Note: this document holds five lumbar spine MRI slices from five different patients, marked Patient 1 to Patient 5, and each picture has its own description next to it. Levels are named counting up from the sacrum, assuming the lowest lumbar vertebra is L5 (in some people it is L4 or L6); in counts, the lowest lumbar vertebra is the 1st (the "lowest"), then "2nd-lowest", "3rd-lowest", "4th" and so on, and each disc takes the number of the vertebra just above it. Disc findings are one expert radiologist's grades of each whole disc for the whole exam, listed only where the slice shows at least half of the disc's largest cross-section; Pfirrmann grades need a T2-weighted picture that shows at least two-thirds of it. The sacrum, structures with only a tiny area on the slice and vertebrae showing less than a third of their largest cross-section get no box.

Patient 1 of 5:
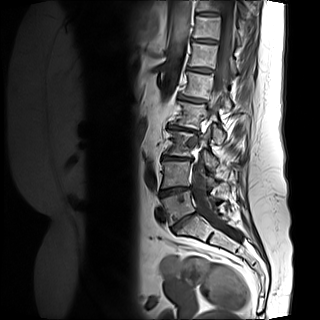 Image 320x320; Sagittal T1-weighted lumbar spine MRI; Slice 8/15
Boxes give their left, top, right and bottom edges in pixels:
L4/L5: left=160, top=187, right=189, bottom=196 | L1: left=182, top=71, right=231, bottom=111 | L5 vertebra: left=161, top=190, right=221, bottom=225 | intervertebral disc L5/S1: left=171, top=213, right=194, bottom=232 | intervertebral disc T11/T12: left=192, top=39, right=217, bottom=43 | T12 vertebra: left=188, top=43, right=238, bottom=75 | L3 vertebra: left=164, top=130, right=218, bottom=169 | T12/L1: left=187, top=67, right=212, bottom=73 | thecal sac / spinal canal: left=192, top=0, right=242, bottom=241 | L2: left=171, top=101, right=225, bottom=142 | intervertebral disc L1/L2: left=179, top=95, right=206, bottom=102 | L4: left=161, top=161, right=217, bottom=188 | intervertebral disc L2/L3: left=169, top=125, right=195, bottom=132 | intervertebral disc L3/L4: left=162, top=156, right=186, bottom=160 | T11: left=193, top=16, right=242, bottom=44

Expert MSK radiologist gradings (per disc):
  L5/S1: disc bulging, disc narrowing, upper-endplate change, Modic type II, lower-endplate change
  L4/L5: upper-endplate change, disc bulging, disc narrowing, lower-endplate change, Modic type II
  L3/L4: Modic type II, upper-endplate change, disc bulging, disc narrowing, lower-endplate change
  L2/L3: disc narrowing, Modic type II, upper-endplate change, disc bulging, lower-endplate change
  L1/L2: Modic type II, disc bulging, disc narrowing, upper-endplate change, lower-endplate change
  T12/L1, T11/T12: no herniation, bulging, narrowing, spondylolisthesis, endplate or Modic change recorded

Patient 2 of 5:
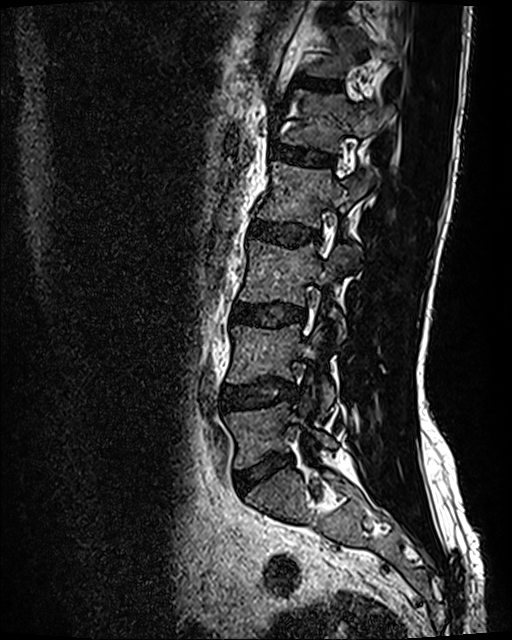

Slice 41/120. Sagittal T2 SPACE (3D) lumbar spine MRI. Patient sex: M. Field of view 240x300 mm, slice spacing 0.9 mm.
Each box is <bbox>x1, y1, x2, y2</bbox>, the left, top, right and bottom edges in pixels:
{"disc L2/L3": "<bbox>251, 220, 319, 245</bbox>", "L2": "<bbox>258, 161, 379, 227</bbox>", "L4 vertebra": "<bbox>227, 323, 334, 412</bbox>", "disc T12/L1": "<bbox>305, 79, 339, 90</bbox>", "L5 vertebra": "<bbox>225, 393, 336, 469</bbox>", "L1/L2": "<bbox>271, 145, 332, 165</bbox>", "L3": "<bbox>240, 239, 360, 339</bbox>", "disc L3/L4": "<bbox>232, 304, 305, 326</bbox>", "L1": "<bbox>283, 90, 392, 152</bbox>", "L5/S1": "<bbox>238, 455, 291, 493</bbox>", "L4/L5": "<bbox>223, 379, 297, 410</bbox>"}

Expert MSK radiologist gradings (per disc):
  L5/S1: disc bulging
  L2/L3: Pfirrmann grade 2
  L1/L2: Pfirrmann grade 2
  L4/L5: Pfirrmann grade 2, disc bulging
  L3/L4: Pfirrmann grade 2, disc bulging

Patient 3 of 5:
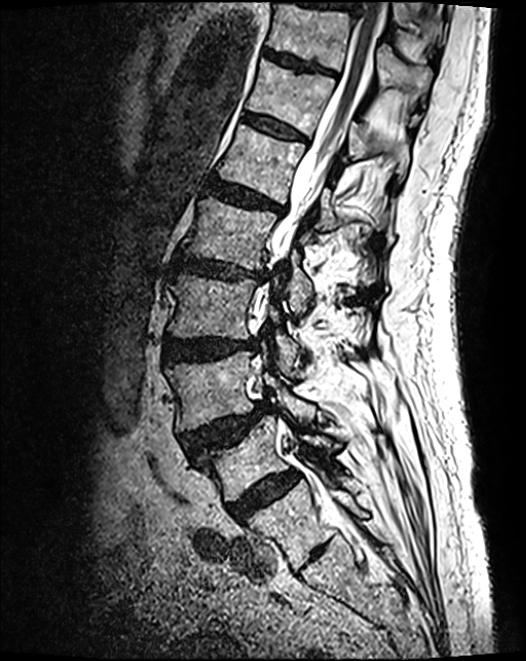 MRI lumbar spine (T2 SPACE (3D)), sagittal plane; 526x661 px; Patient sex: M

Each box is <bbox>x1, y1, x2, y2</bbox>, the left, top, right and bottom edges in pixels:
Disc L1/L2: <bbox>205, 179, 283, 214</bbox>.
Disc T12/L1: <bbox>244, 114, 306, 141</bbox>.
T11: <bbox>267, 3, 430, 98</bbox>.
L1 vertebra: <bbox>217, 124, 337, 233</bbox>.
Disc T11/T12: <bbox>263, 50, 335, 75</bbox>.
L4: <bbox>168, 353, 314, 430</bbox>.
Disc L4/L5: <bbox>183, 404, 269, 457</bbox>.
L3: <bbox>168, 275, 303, 377</bbox>.
Disc L5/S1: <bbox>228, 472, 298, 522</bbox>.
L2: <bbox>182, 197, 311, 310</bbox>.
Disc L2/L3: <bbox>172, 252, 268, 284</bbox>.
T12: <bbox>247, 61, 407, 168</bbox>.
Spinal canal: <bbox>254, 0, 381, 319</bbox>.
L5 vertebra: <bbox>201, 417, 335, 501</bbox>.
L3/L4: <bbox>164, 339, 256, 365</bbox>.

Radiological gradings:
  L5/S1: Pfirrmann grade 4
  L3/L4: Pfirrmann grade 4, disc bulging
  L1/L2: Pfirrmann grade 4, upper-endplate change, disc bulging, lower-endplate change
  L4/L5: Pfirrmann grade 4, disc herniation, upper-endplate change, spondylolisthesis
  L2/L3: Pfirrmann grade 4, disc bulging, lower-endplate change, upper-endplate change, disc narrowing
  T11/T12: Pfirrmann grade 3, lower-endplate change
  T12/L1: Pfirrmann grade 3

Patient 4 of 5:
Sagittal T2-weighted lumbar spine MRI; 658x659 px; Sex F; Philips Medical Systems Ingenia (1.5T); Slice 8/17 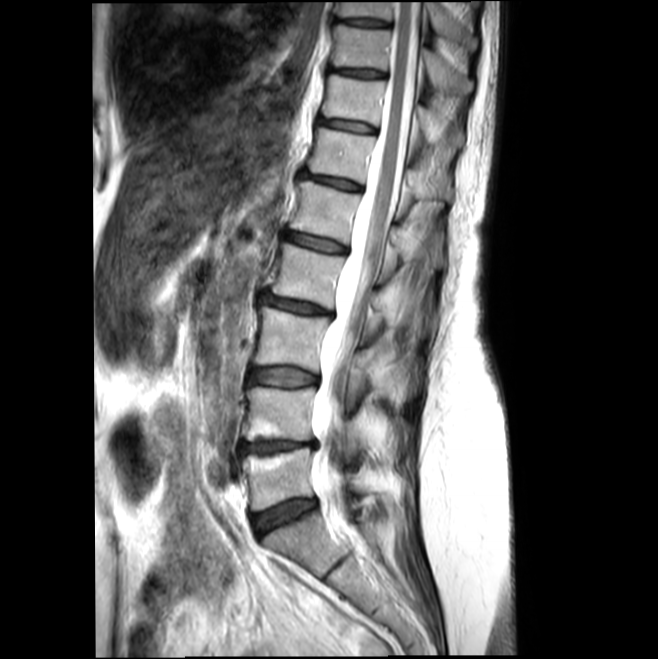 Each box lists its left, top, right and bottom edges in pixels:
3rd-lowest disc — left=250, top=368, right=318, bottom=386.
Thecal sac / spinal canal — left=311, top=2, right=418, bottom=547.
7th vertebra — left=321, top=74, right=461, bottom=146.
4th vertebra — left=271, top=244, right=384, bottom=332.
6th disc — left=301, top=172, right=363, bottom=191.
2nd-lowest vertebra — left=242, top=387, right=362, bottom=456.
4th disc — left=262, top=293, right=334, bottom=317.
8th disc — left=329, top=67, right=383, bottom=78.
5th disc — left=286, top=232, right=349, bottom=254.
9th vertebra — left=335, top=2, right=470, bottom=44.
2nd-lowest disc — left=242, top=440, right=319, bottom=451.
8th vertebra — left=330, top=22, right=472, bottom=92.
Lowest disc — left=252, top=499, right=314, bottom=533.
9th disc — left=342, top=19, right=387, bottom=26.
6th vertebra — left=307, top=128, right=451, bottom=199.
7th disc — left=318, top=118, right=378, bottom=134.
3rd-lowest vertebra — left=254, top=306, right=370, bottom=395.
Lowest vertebra — left=242, top=447, right=363, bottom=510.
5th vertebra — left=289, top=182, right=440, bottom=264.

Radiological gradings:
  7th disc: Pfirrmann grade 2
  4th disc: Pfirrmann grade 2, disc bulging
  6th disc: Pfirrmann grade 2
  2nd-lowest disc: Pfirrmann grade 3, disc bulging, lower-endplate change, upper-endplate change, Modic type II
  9th disc: Pfirrmann grade 2
  8th disc: Pfirrmann grade 2
  5th disc: Pfirrmann grade 2
  3rd-lowest disc: Pfirrmann grade 2, disc bulging, Modic type II
  lowest disc: Pfirrmann grade 2, disc bulging

Patient 5 of 5:
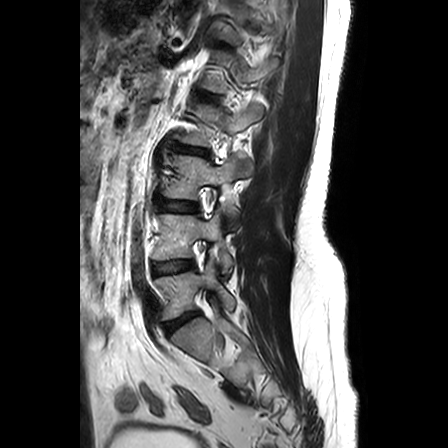

Field of view 280x280 mm; Lumbar spine MR, T2-weighted, sagittal; Slice 18/24; Patient sex: M
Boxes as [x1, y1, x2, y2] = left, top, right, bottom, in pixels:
L2 vertebra: [174, 104, 262, 173].
L4/L5: [152, 260, 193, 274].
L3/L4: [160, 199, 197, 211].
L5/S1: [165, 313, 198, 332].
L5 vertebra: [155, 259, 234, 320].
Intervertebral disc L2/L3: [176, 146, 207, 155].
L3 vertebra: [163, 155, 240, 217].
L4: [152, 209, 233, 272].

Expert MSK radiologist gradings (per disc):
• L4/L5: lower-endplate change
• L2/L3: disc narrowing, disc bulging, upper-endplate change, lower-endplate change
• L3/L4: upper-endplate change